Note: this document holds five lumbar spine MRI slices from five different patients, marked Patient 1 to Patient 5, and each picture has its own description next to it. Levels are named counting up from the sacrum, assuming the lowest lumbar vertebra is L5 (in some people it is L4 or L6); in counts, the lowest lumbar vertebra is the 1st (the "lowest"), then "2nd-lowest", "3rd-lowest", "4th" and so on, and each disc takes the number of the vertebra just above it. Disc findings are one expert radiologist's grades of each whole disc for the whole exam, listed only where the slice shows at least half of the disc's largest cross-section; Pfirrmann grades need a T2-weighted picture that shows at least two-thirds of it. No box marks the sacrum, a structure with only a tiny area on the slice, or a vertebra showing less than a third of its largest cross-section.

Patient 1 of 5:
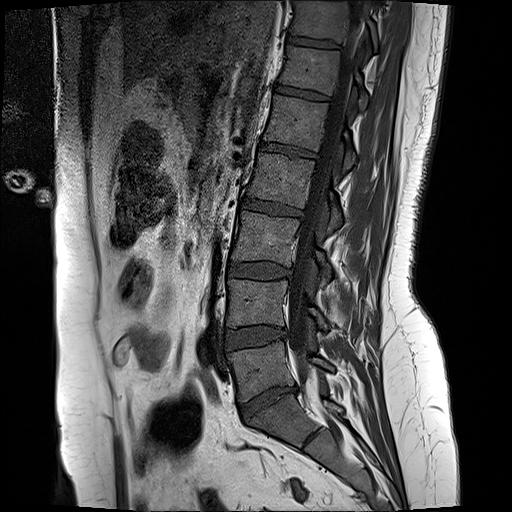
Patient sex: F; Sagittal T1-weighted lumbar spine MRI; Slice 11/17
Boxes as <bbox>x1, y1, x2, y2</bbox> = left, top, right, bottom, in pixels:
L2 = <bbox>248, 154, 341, 233</bbox> | L5 vertebra = <bbox>230, 340, 333, 400</bbox> | L3 vertebra = <bbox>233, 213, 330, 278</bbox> | L4/L5 = <bbox>226, 327, 285, 350</bbox> | L4 vertebra = <bbox>228, 280, 327, 330</bbox> | L5/S1 = <bbox>240, 389, 295, 421</bbox> | T11 = <bbox>293, 3, 376, 46</bbox> | disc T11/T12 = <bbox>287, 39, 337, 49</bbox> | L1 vertebra = <bbox>265, 96, 354, 173</bbox> | L3/L4 = <bbox>228, 263, 286, 279</bbox> | L2/L3 = <bbox>241, 199, 303, 218</bbox> | T12 vertebra = <bbox>281, 47, 366, 111</bbox> | T12/L1 = <bbox>276, 86, 329, 103</bbox> | disc L1/L2 = <bbox>260, 143, 316, 158</bbox> | thecal sac / spinal canal = <bbox>289, 6, 361, 381</bbox>

Degenerative findings by level:
  L4/L5: disc bulging
  T12/L1: upper-endplate change, lower-endplate change
  L1/L2: lower-endplate change, upper-endplate change
  L2/L3: lower-endplate change, disc bulging, upper-endplate change
  L5/S1: disc bulging, disc narrowing, disc herniation
  L3/L4: disc bulging
  T11/T12: no herniation, bulging, narrowing, spondylolisthesis, endplate or Modic change recorded

Patient 2 of 5:
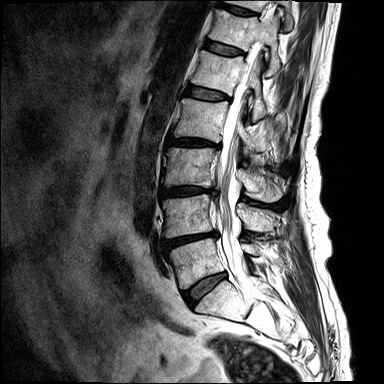 Sex M. MRI lumbar spine (T2-weighted), sagittal plane. 384x384 px. Slice 9/15.
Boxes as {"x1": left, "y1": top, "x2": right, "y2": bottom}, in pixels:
Annotations:
• disc L1/L2 = {"x1": 187, "y1": 85, "x2": 229, "y2": 99}
• T11 vertebra = {"x1": 226, "y1": 0, "x2": 293, "y2": 30}
• disc L2/L3 = {"x1": 167, "y1": 137, "x2": 221, "y2": 147}
• L1 = {"x1": 192, "y1": 50, "x2": 267, "y2": 121}
• T12 vertebra = {"x1": 209, "y1": 8, "x2": 281, "y2": 76}
• disc T12/L1 = {"x1": 204, "y1": 40, "x2": 245, "y2": 56}
• L4/L5 = {"x1": 165, "y1": 232, "x2": 218, "y2": 250}
• disc L5/S1 = {"x1": 183, "y1": 273, "x2": 226, "y2": 307}
• L2 = {"x1": 173, "y1": 98, "x2": 263, "y2": 150}
• spinal canal = {"x1": 216, "y1": 20, "x2": 269, "y2": 274}
• L4 = {"x1": 163, "y1": 194, "x2": 276, "y2": 237}
• T11/T12 = {"x1": 216, "y1": 1, "x2": 258, "y2": 15}
• L3 vertebra = {"x1": 161, "y1": 147, "x2": 282, "y2": 202}
• L3/L4 = {"x1": 161, "y1": 187, "x2": 216, "y2": 196}
• L5 vertebra = {"x1": 170, "y1": 238, "x2": 259, "y2": 289}

Degenerative findings by level:
  L3/L4: Pfirrmann grade 4, disc narrowing, lower-endplate change, disc herniation, upper-endplate change, disc bulging, Modic type II
  T11/T12: Pfirrmann grade 3, upper-endplate change, lower-endplate change
  L1/L2: Pfirrmann grade 3
  L5/S1: Pfirrmann grade 3, Modic type II, disc bulging
  L4/L5: Pfirrmann grade 4, Modic type I, disc narrowing, disc bulging, lower-endplate change, upper-endplate change
  L2/L3: Pfirrmann grade 4, disc bulging, Modic type II, disc narrowing, upper-endplate change, lower-endplate change
  T12/L1: Pfirrmann grade 3

Patient 3 of 5:
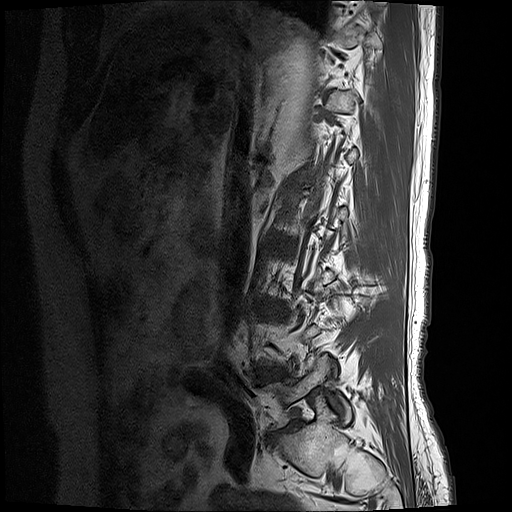 Sagittal T1-weighted lumbar spine MRI; Sagittal slice index 18; 512x512 px; Slice spacing 3.3 mm
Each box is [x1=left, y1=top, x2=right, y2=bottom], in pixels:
{"L4/L5": "[x1=260, y1=370, x2=281, y2=378]", "intervertebral disc L3/L4": "[x1=273, y1=308, x2=283, y2=314]", "L5 vertebra": "[x1=262, y1=355, x2=352, y2=426]", "intervertebral disc L5/S1": "[x1=269, y1=426, x2=292, y2=437]"}

Patient 4 of 5:
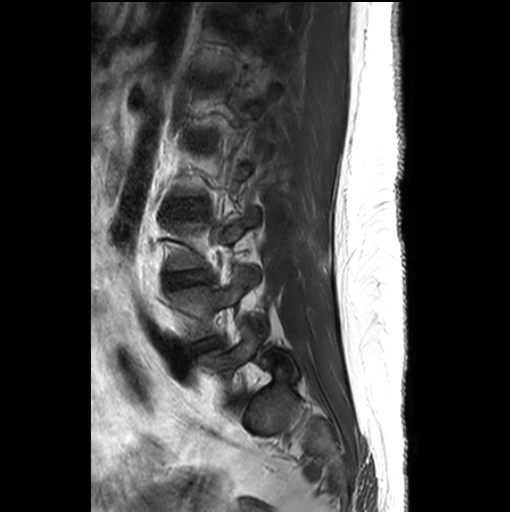 Sex F | Sagittal T2-weighted lumbar spine MRI | Slice 20/26
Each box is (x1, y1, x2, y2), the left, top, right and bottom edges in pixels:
{"L4/L5": "(183, 336, 221, 355)", "L4 vertebra": "(167, 268, 266, 342)", "L5 vertebra": "(199, 329, 297, 399)", "T11 vertebra": "(217, 2, 246, 13)", "IVD L5/S1": "(227, 392, 245, 407)", "IVD L3/L4": "(165, 271, 211, 287)", "L3 vertebra": "(167, 210, 254, 270)"}

Per-level radiological findings:
- L3/L4: disc bulging, disc narrowing

Patient 5 of 5:
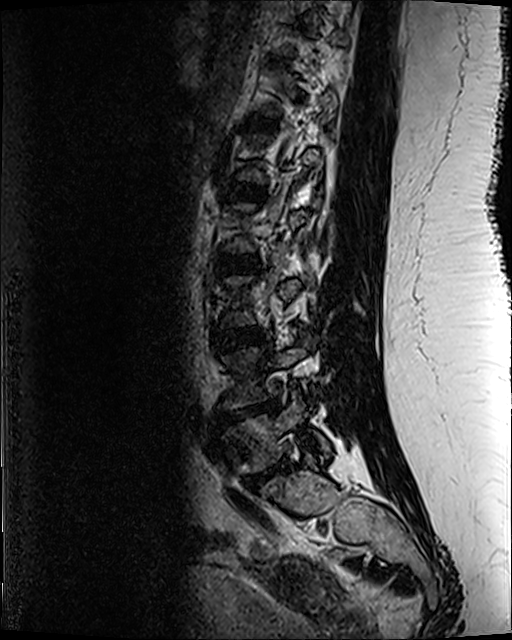
T2 SPACE (3D) sagittal MRI of the lumbar spine

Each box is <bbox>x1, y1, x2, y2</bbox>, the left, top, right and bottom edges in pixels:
L1/L2: <bbox>226, 184, 263, 198</bbox>
L2/L3: <bbox>218, 256, 256, 272</bbox>
IVD L5/S1: <bbox>246, 463, 291, 487</bbox>
L4 vertebra: <bbox>224, 334, 314, 407</bbox>
L5: <bbox>222, 391, 330, 472</bbox>
L3/L4: <bbox>215, 328, 264, 350</bbox>
L4/L5: <bbox>219, 404, 279, 421</bbox>

Radiological gradings:
  L3/L4: Pfirrmann grade 3
  L1/L2: lower-endplate change
  L2/L3: lower-endplate change, upper-endplate change
  L5/S1: Modic type II, disc herniation, disc narrowing, upper-endplate change, lower-endplate change